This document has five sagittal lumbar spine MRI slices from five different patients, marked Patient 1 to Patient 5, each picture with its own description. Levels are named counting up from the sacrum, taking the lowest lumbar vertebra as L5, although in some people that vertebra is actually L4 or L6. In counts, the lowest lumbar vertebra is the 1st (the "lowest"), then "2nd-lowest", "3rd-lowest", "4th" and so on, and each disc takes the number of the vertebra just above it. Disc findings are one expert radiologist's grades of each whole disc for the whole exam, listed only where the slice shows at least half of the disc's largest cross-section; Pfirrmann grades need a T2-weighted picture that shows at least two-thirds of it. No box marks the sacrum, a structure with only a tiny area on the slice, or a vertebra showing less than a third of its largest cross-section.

Patient 1 of 5:
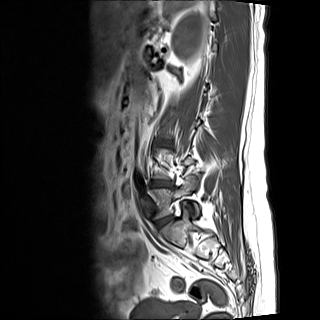 Sagittal slice index 11; MRI lumbar spine (T1-weighted), sagittal plane
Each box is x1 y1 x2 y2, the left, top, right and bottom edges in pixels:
Annotations:
* L5 (lowest vertebra): 152 178 199 218
* IVD L5/S1 (lowest disc): 156 217 171 227
* IVD L4/L5 (2nd-lowest disc): 150 181 172 186

Patient 2 of 5:
Lumbar spine MR, T1-weighted, sagittal, Scanner: SIEMENS Avanto_fit (1.5T), Patient sex: F, Slice spacing 4.8 mm
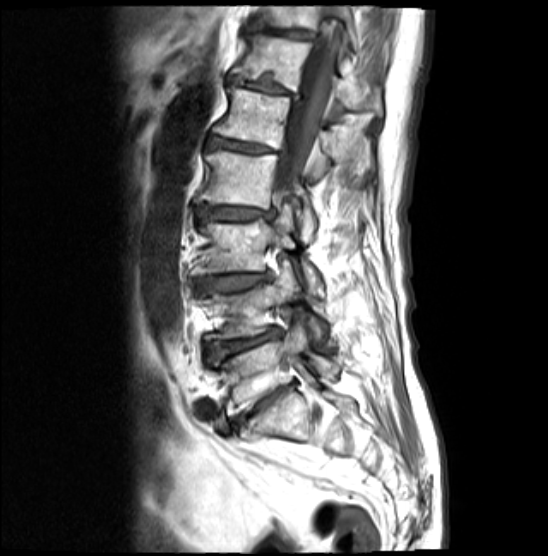

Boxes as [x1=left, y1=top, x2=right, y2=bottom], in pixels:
Segmented structures:
- 3rd-lowest vertebra: [x1=192, y1=207, x2=321, y2=291]
- 7th vertebra: [x1=255, y1=6, x2=355, y2=44]
- 4th vertebra: [x1=200, y1=150, x2=316, y2=240]
- 6th disc: [x1=230, y1=75, x2=299, y2=100]
- spinal canal: [x1=274, y1=7, x2=340, y2=207]
- 7th disc: [x1=248, y1=27, x2=318, y2=43]
- 2nd-lowest disc: [x1=206, y1=328, x2=278, y2=360]
- 4th disc: [x1=195, y1=205, x2=273, y2=221]
- lowest disc: [x1=240, y1=386, x2=290, y2=422]
- 6th vertebra: [x1=231, y1=35, x2=383, y2=116]
- 3rd-lowest disc: [x1=194, y1=274, x2=268, y2=293]
- 5th disc: [x1=209, y1=136, x2=285, y2=158]
- lowest vertebra: [x1=214, y1=322, x2=338, y2=411]
- 5th vertebra: [x1=212, y1=88, x2=373, y2=178]
- 2nd-lowest vertebra: [x1=195, y1=263, x2=326, y2=340]

Degenerative findings by level:
  3rd-lowest disc: Modic type II, disc bulging, lower-endplate change, upper-endplate change
  4th disc: lower-endplate change, disc narrowing, Modic type II, upper-endplate change, disc bulging
  7th disc: lower-endplate change, upper-endplate change, Modic type II, disc bulging, disc narrowing
  2nd-lowest disc: disc narrowing, lower-endplate change, upper-endplate change, disc bulging, Modic type II
  6th disc: lower-endplate change, disc narrowing, Modic type II, upper-endplate change, disc bulging
  5th disc: lower-endplate change, disc narrowing, Modic type II, upper-endplate change, disc bulging

Patient 3 of 5:
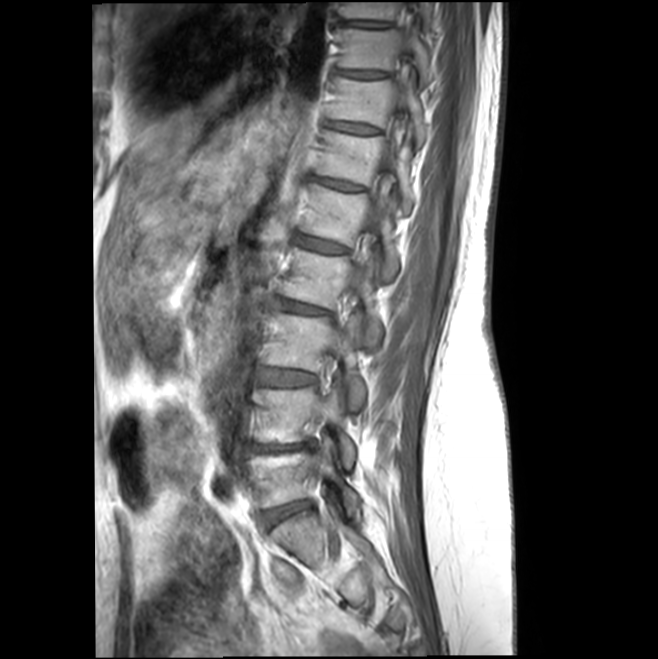

Sagittal T1-weighted lumbar spine MRI, Image 658x659, Slice 6 of 18

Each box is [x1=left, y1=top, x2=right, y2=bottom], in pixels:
{"T9 vertebra": "[x1=338, y1=2, x2=434, y2=28]", "intervertebral disc T11/T12": "[x1=328, y1=121, x2=374, y2=134]", "L4": "[x1=254, y1=383, x2=355, y2=467]", "L3/L4": "[x1=259, y1=368, x2=313, y2=386]", "T12 vertebra": "[x1=316, y1=130, x2=411, y2=212]", "intervertebral disc T10/T11": "[x1=338, y1=71, x2=385, y2=78]", "intervertebral disc L5/S1": "[x1=263, y1=503, x2=307, y2=524]", "L1": "[x1=301, y1=184, x2=397, y2=280]", "L2 vertebra": "[x1=283, y1=248, x2=381, y2=345]", "L5": "[x1=251, y1=435, x2=359, y2=511]", "intervertebral disc L1/L2": "[x1=297, y1=236, x2=345, y2=253]", "T10": "[x1=336, y1=29, x2=432, y2=83]", "spinal canal": "[x1=383, y1=88, x2=406, y2=181]", "T12/L1": "[x1=318, y1=180, x2=359, y2=190]", "T9/T10": "[x1=342, y1=20, x2=387, y2=27]", "intervertebral disc L4/L5": "[x1=251, y1=443, x2=305, y2=451]", "L2/L3": "[x1=279, y1=300, x2=326, y2=313]", "L3 vertebra": "[x1=263, y1=313, x2=364, y2=407]", "T11": "[x1=328, y1=77, x2=426, y2=144]"}

Expert MSK radiologist gradings (per disc):
• L3/L4: disc bulging, Modic type II
• L2/L3: disc bulging
• L4/L5: lower-endplate change, disc bulging, Modic type II, upper-endplate change
• T12/L1, T10/T11, T9/T10, T11/T12, L1/L2: no spondylolisthesis, narrowing, bulging, herniation, Modic or endplate change recorded

Patient 4 of 5:
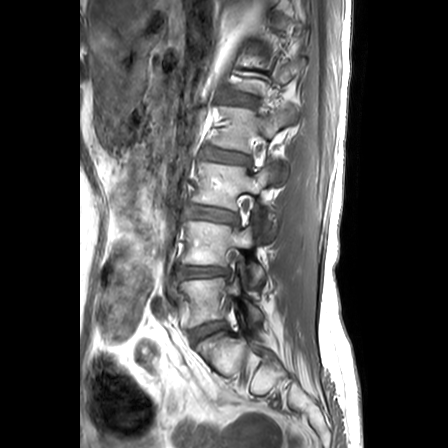 MRI lumbar spine (T1-weighted), sagittal plane; Field of view 280x280 mm; Sex F
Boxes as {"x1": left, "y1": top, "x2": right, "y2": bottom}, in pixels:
Annotations:
* 3rd-lowest vertebra = {"x1": 193, "y1": 162, "x2": 276, "y2": 241}
* 2nd-lowest vertebra = {"x1": 183, "y1": 221, "x2": 263, "y2": 286}
* lowest vertebra = {"x1": 178, "y1": 263, "x2": 262, "y2": 329}
* lowest disc = {"x1": 190, "y1": 321, "x2": 225, "y2": 342}
* 4th disc = {"x1": 204, "y1": 150, "x2": 249, "y2": 163}
* 4th vertebra = {"x1": 215, "y1": 105, "x2": 298, "y2": 184}
* 2nd-lowest disc = {"x1": 175, "y1": 265, "x2": 230, "y2": 279}
* 3rd-lowest disc = {"x1": 187, "y1": 206, "x2": 237, "y2": 223}
* 5th disc = {"x1": 228, "y1": 94, "x2": 254, "y2": 105}

Radiological gradings:
  3rd-lowest disc: lower-endplate change, upper-endplate change, disc bulging
  2nd-lowest disc: disc herniation, lower-endplate change, upper-endplate change, disc narrowing
  4th disc: disc bulging, upper-endplate change, Modic type II, lower-endplate change

Patient 5 of 5:
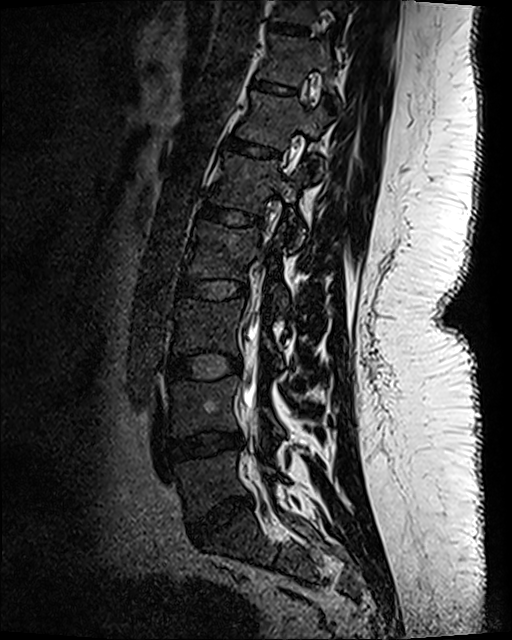
Lumbar spine MR, T2 SPACE (3D), sagittal; Sagittal slice index 46

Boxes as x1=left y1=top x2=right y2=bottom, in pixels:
L5/S1 (lowest disc) — x1=187 y1=496 x2=252 y2=539.
L5 (lowest vertebra) — x1=176 y1=451 x2=273 y2=519.
T10 (8th vertebra) — x1=271 y1=0 x2=350 y2=25.
L1/L2 (5th disc) — x1=197 y1=201 x2=263 y2=228.
T10/T11 (8th disc) — x1=271 y1=23 x2=308 y2=35.
L2 (4th vertebra) — x1=187 y1=220 x2=289 y2=308.
T11/T12 (7th disc) — x1=251 y1=79 x2=296 y2=96.
T11 (7th vertebra) — x1=257 y1=35 x2=339 y2=104.
L3/L4 (3rd-lowest disc) — x1=169 y1=354 x2=241 y2=379.
L1 (5th vertebra) — x1=208 y1=153 x2=305 y2=243.
L3 (3rd-lowest vertebra) — x1=175 y1=300 x2=283 y2=367.
L2/L3 (4th disc) — x1=177 y1=278 x2=247 y2=301.
Spinal canal — x1=242 y1=266 x2=262 y2=448.
T12/L1 (6th disc) — x1=227 y1=137 x2=279 y2=160.
T12 (6th vertebra) — x1=237 y1=92 x2=328 y2=174.
Disc L4/L5 (2nd-lowest disc) — x1=168 y1=432 x2=242 y2=461.
L4 (2nd-lowest vertebra) — x1=169 y1=377 x2=283 y2=434.

Degenerative findings by level:
- T12/L1 (6th disc): Pfirrmann grade 1
- L2/L3 (4th disc): Pfirrmann grade 1
- L4/L5 (2nd-lowest disc): Pfirrmann grade 3, disc bulging, disc narrowing
- L1/L2 (5th disc): Pfirrmann grade 1
- L5/S1 (lowest disc): Pfirrmann grade 4, disc narrowing, disc bulging
- T11/T12 (7th disc): Pfirrmann grade 1
- L3/L4 (3rd-lowest disc): Pfirrmann grade 1
- T10/T11 (8th disc): no spondylolisthesis, narrowing, bulging, herniation, Modic or endplate change recorded